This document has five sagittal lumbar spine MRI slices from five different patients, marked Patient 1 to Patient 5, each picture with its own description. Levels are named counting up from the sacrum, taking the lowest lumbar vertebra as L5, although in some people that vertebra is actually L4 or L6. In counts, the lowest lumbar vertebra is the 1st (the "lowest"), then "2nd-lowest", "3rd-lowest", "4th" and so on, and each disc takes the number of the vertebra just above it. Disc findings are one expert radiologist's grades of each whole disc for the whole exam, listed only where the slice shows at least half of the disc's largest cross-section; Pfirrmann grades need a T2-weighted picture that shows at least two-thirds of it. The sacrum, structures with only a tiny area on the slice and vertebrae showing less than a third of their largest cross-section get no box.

Patient 1 of 5:
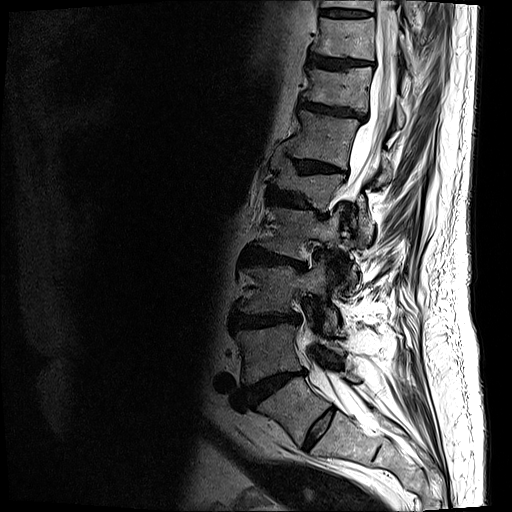 Slice 14 of 19 | Sagittal T2-weighted lumbar spine MRI | 512x512 px | Patient sex: M
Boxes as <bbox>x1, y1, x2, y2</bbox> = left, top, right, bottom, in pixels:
5th vertebra at <bbox>271, 152, 373, 237</bbox>, 2nd-lowest disc at <bbox>244, 370, 306, 407</bbox>, 2nd-lowest vertebra at <bbox>235, 322, 344, 384</bbox>, 3rd-lowest disc at <bbox>231, 311, 300, 329</bbox>, 8th disc at <bbox>308, 54, 372, 69</bbox>, 9th vertebra at <bbox>321, 0, 413, 23</bbox>, 6th disc at <bbox>277, 143, 346, 173</bbox>, 5th disc at <bbox>268, 186, 322, 211</bbox>, 7th vertebra at <bbox>303, 66, 405, 127</bbox>, 8th vertebra at <bbox>311, 18, 413, 74</bbox>, spinal canal at <bbox>297, 0, 397, 415</bbox>, lowest disc at <bbox>303, 407, 334, 449</bbox>, 9th disc at <bbox>320, 8, 371, 18</bbox>, 6th vertebra at <bbox>285, 109, 396, 184</bbox>, lowest vertebra at <bbox>257, 372, 360, 446</bbox>, 4th vertebra at <bbox>255, 204, 355, 278</bbox>, 3rd-lowest vertebra at <bbox>238, 258, 338, 331</bbox>, 7th disc at <bbox>300, 99, 364, 120</bbox>, 4th disc at <bbox>240, 248, 306, 271</bbox>.

Radiological gradings:
- lowest disc: Pfirrmann grade 2
- 8th disc: Pfirrmann grade 4, upper-endplate change, disc bulging, lower-endplate change
- 6th disc: Pfirrmann grade 4, lower-endplate change, disc bulging, upper-endplate change, disc narrowing
- 5th disc: disc bulging, disc narrowing, upper-endplate change, lower-endplate change
- 4th disc: Pfirrmann grade 4, lower-endplate change, disc bulging, Modic type II, disc narrowing, upper-endplate change
- 7th disc: Pfirrmann grade 4, upper-endplate change, disc narrowing, disc bulging, lower-endplate change
- 3rd-lowest disc: Pfirrmann grade 4, upper-endplate change, lower-endplate change, disc narrowing, disc bulging
- 9th disc: Pfirrmann grade 3, lower-endplate change
- 2nd-lowest disc: Pfirrmann grade 5, disc herniation, upper-endplate change, disc narrowing, disc bulging, lower-endplate change, Modic type II

Patient 2 of 5:
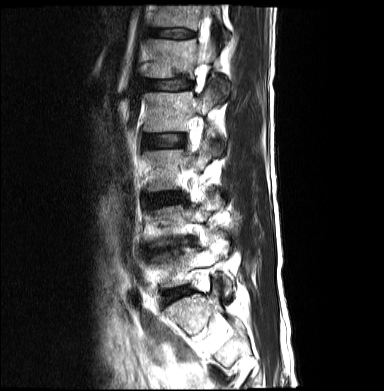 Lumbar spine MR, T2-weighted, sagittal | Slice 6/21
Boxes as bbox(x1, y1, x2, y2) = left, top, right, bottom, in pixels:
L2 vertebra = bbox(144, 87, 219, 131) | disc L2/L3 = bbox(144, 134, 185, 148) | disc L1/L2 = bbox(145, 80, 191, 89) | T12/L1 = bbox(149, 27, 193, 38) | thecal sac / spinal canal = bbox(200, 9, 212, 59) | L5/S1 = bbox(169, 290, 186, 298) | T12 vertebra = bbox(151, 6, 229, 40) | L1 vertebra = bbox(146, 39, 224, 91) | L5 vertebra = bbox(152, 238, 232, 295) | L3/L4 = bbox(151, 192, 175, 205)

Expert MSK radiologist gradings (per disc):
  L1/L2: Pfirrmann grade 2
  T12/L1: Pfirrmann grade 3
  L2/L3: Pfirrmann grade 2

Patient 3 of 5:
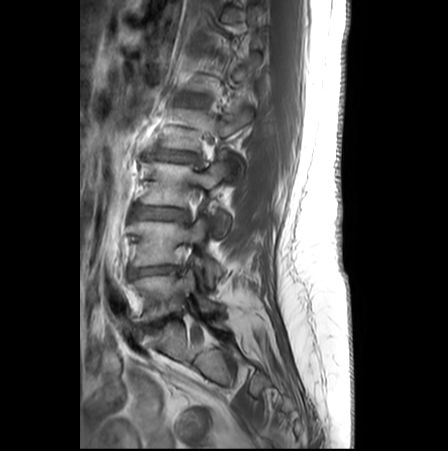 Lumbar spine MR, T1-weighted, sagittal
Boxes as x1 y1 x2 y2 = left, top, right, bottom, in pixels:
intervertebral disc L3/L4: 132 205 187 219 | L3 vertebra: 141 153 230 237 | L2: 161 106 252 183 | intervertebral disc L5/S1: 138 313 179 333 | L4: 131 217 223 286 | intervertebral disc L4/L5: 128 266 181 280 | L5: 128 268 220 326 | intervertebral disc L1/L2: 186 97 202 105 | L2/L3: 152 150 198 162

Per-level radiological findings:
- L3/L4: Modic type II, disc bulging
- L4/L5: disc bulging, upper-endplate change, Modic type II, disc narrowing
- L2/L3: disc bulging, disc narrowing

Patient 4 of 5:
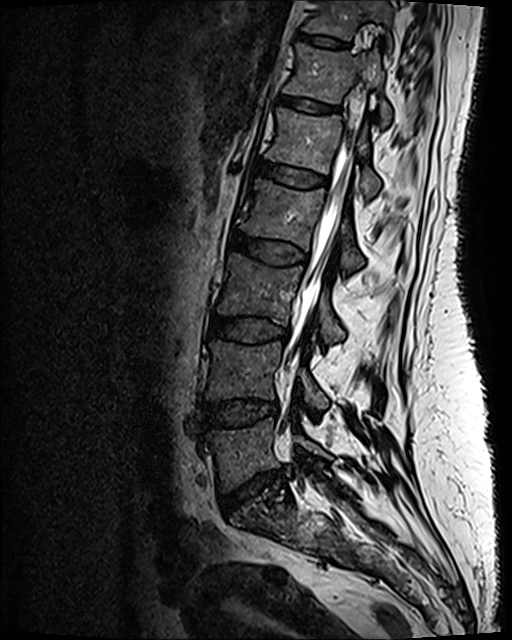 MRI lumbar spine (T2 SPACE (3D)), sagittal plane | Sagittal slice index 70

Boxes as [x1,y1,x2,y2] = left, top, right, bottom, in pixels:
Intervertebral disc L5/S1 — [223,473,285,505].
L4/L5 — [205,402,278,426].
T11 — [299,0,392,39].
T12/L1 — [277,96,338,112].
Intervertebral disc T11/T12 — [299,33,348,48].
L1/L2 — [252,160,327,187].
L5 vertebra — [206,419,328,489].
L3/L4 — [209,315,288,341].
L4 — [206,340,328,408].
L1 vertebra — [265,108,380,197].
Thecal sac / spinal canal — [284,89,361,443].
L3 — [218,254,343,341].
T12 vertebra — [283,44,391,124].
L2 vertebra — [236,179,362,273].
L2/L3 — [229,233,307,263].

Degenerative findings by level:
  L1/L2: Pfirrmann grade 2
  L2/L3: Pfirrmann grade 3, disc bulging
  L4/L5: Pfirrmann grade 3, disc bulging
  L5/S1: disc narrowing, lower-endplate change, upper-endplate change, disc herniation
  L3/L4: Pfirrmann grade 3
  T12/L1: Pfirrmann grade 2
  T11/T12: no herniation, bulging, narrowing, spondylolisthesis, endplate or Modic change recorded

Patient 5 of 5:
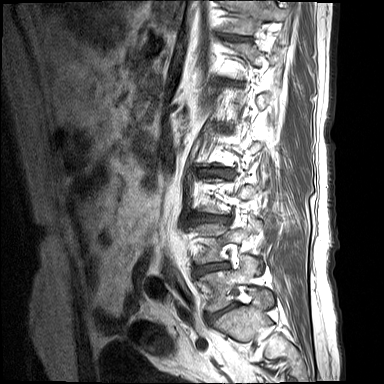 Sagittal slice index 2, T1-weighted sagittal MRI of the lumbar spine, 384x384 px

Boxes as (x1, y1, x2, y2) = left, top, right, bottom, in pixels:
- L2/L3: (199, 167, 234, 179)
- intervertebral disc L5/S1: (210, 304, 235, 318)
- L5 vertebra: (200, 255, 273, 311)
- intervertebral disc L4/L5: (195, 262, 228, 274)
- T11/T12: (222, 34, 250, 41)
- T11 vertebra: (222, 0, 288, 34)
- intervertebral disc L3/L4: (192, 213, 227, 223)

Degenerative findings by level:
• L2/L3: lower-endplate change, Modic type II, disc narrowing, disc herniation